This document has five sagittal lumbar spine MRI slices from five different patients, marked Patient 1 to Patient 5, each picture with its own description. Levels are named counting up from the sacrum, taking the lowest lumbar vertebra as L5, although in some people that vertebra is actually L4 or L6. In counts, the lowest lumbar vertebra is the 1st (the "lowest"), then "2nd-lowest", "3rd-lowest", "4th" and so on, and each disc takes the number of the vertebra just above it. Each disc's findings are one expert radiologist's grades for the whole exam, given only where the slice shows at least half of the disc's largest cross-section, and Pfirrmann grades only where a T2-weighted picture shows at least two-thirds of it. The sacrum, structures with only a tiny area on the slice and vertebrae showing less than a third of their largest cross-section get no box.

Patient 1 of 5:
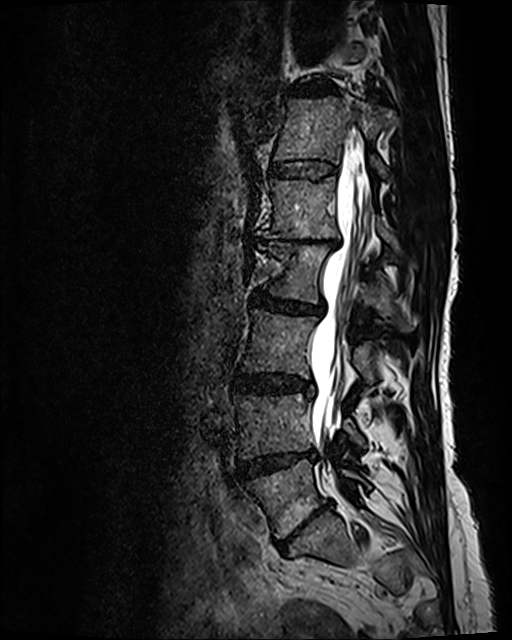 Slice 58/120 | Lumbar spine MR, T2 SPACE (3D), sagittal
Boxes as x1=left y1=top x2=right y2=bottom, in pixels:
3rd-lowest disc = x1=233 y1=374 x2=313 y2=395.
4th vertebra = x1=259 y1=246 x2=413 y2=330.
4th disc = x1=253 y1=291 x2=322 y2=314.
Lowest disc = x1=278 y1=504 x2=328 y2=548.
7th disc = x1=288 y1=81 x2=336 y2=96.
6th disc = x1=269 y1=159 x2=336 y2=178.
6th vertebra = x1=275 y1=96 x2=396 y2=178.
3rd-lowest vertebra = x1=241 y1=309 x2=374 y2=383.
5th vertebra = x1=257 y1=176 x2=396 y2=246.
2nd-lowest disc = x1=237 y1=452 x2=315 y2=477.
Lowest vertebra = x1=240 y1=459 x2=370 y2=537.
2nd-lowest vertebra = x1=234 y1=394 x2=365 y2=459.
5th disc = x1=259 y1=235 x2=340 y2=246.
Spinal canal = x1=309 y1=134 x2=368 y2=455.

Per-level radiological findings:
• 5th disc: Pfirrmann grade 5, upper-endplate change, disc narrowing, Modic type II, lower-endplate change, disc bulging
• 7th disc: disc bulging, disc narrowing
• 2nd-lowest disc: Pfirrmann grade 4, disc narrowing, Modic type II, disc bulging
• 6th disc: Pfirrmann grade 2
• 4th disc: disc bulging, disc narrowing
• 3rd-lowest disc: Pfirrmann grade 3, disc bulging

Patient 2 of 5:
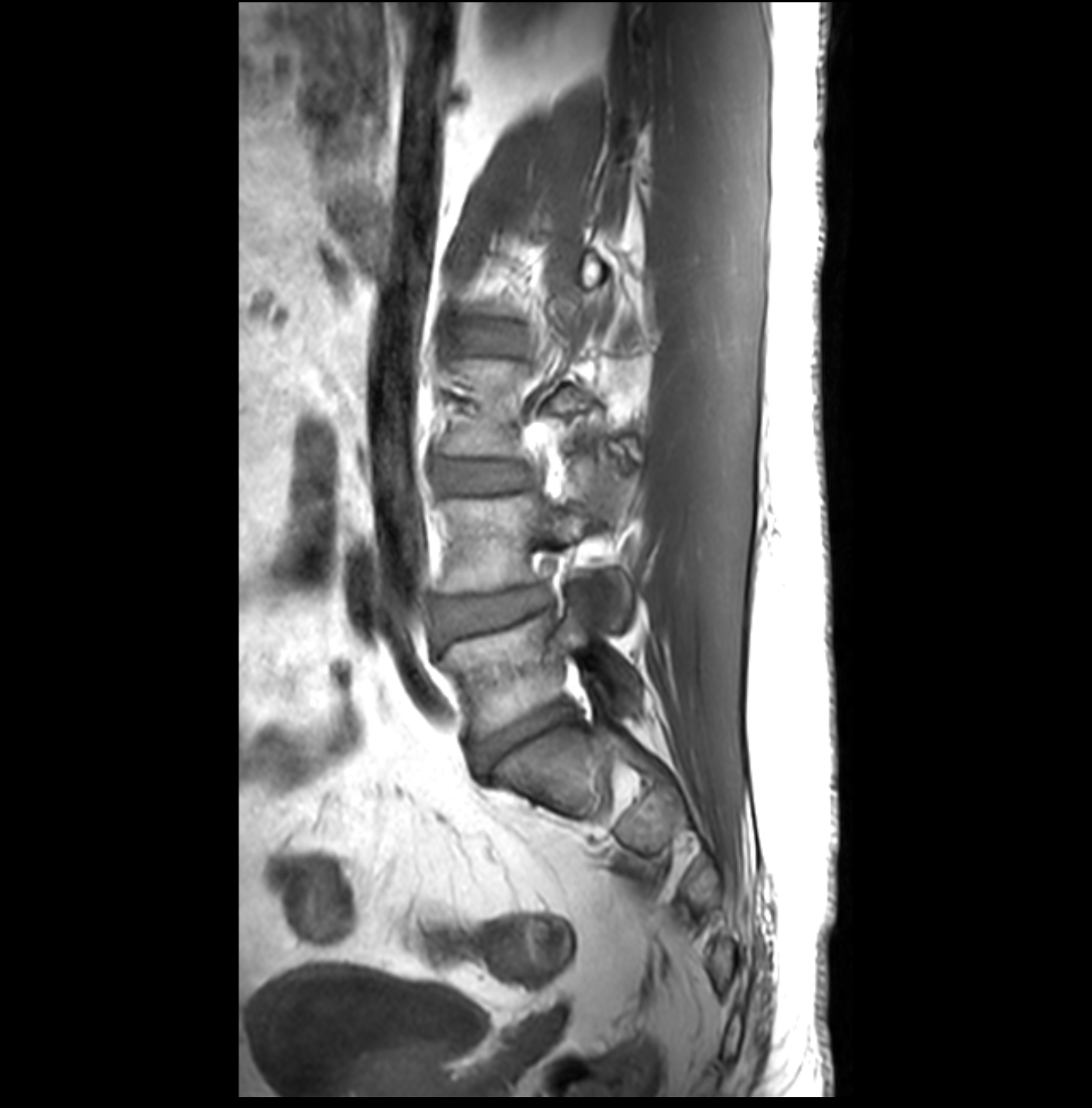 T1-weighted sagittal MRI of the lumbar spine, Patient sex: M
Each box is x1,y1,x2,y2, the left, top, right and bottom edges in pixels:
L4 vertebra at 442,483,632,627.
L3/L4 at 442,463,531,491.
Disc L2/L3 at 508,329,520,347.
Disc L5/S1 at 473,703,571,770.
L5 at 443,604,644,737.
L4/L5 at 439,586,548,640.

Radiological gradings:
- L4/L5: disc herniation
- L5/S1, L3/L4: no Modic or endplate change, herniation, narrowing, bulging or spondylolisthesis recorded

Patient 3 of 5:
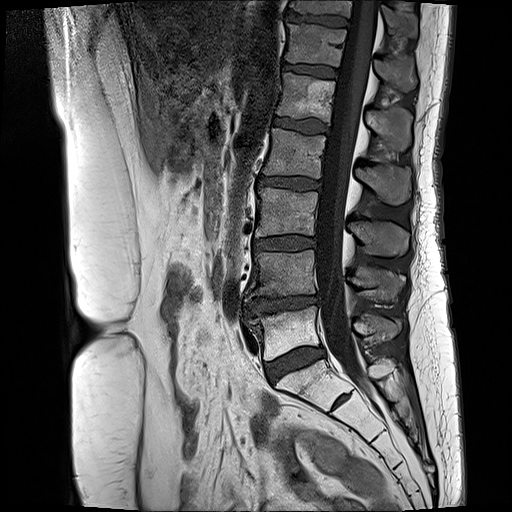

Lumbar spine MR, T1-weighted, sagittal. Slice 11 of 17. Slice spacing 3.3 mm.
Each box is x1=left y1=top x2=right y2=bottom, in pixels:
Segmented structures:
* L5 (lowest vertebra) = x1=247 y1=306 x2=401 y2=359
* T12 (6th vertebra) = x1=286 y1=25 x2=416 y2=89
* T12/L1 (6th disc) = x1=283 y1=63 x2=338 y2=77
* T11/T12 (7th disc) = x1=286 y1=12 x2=350 y2=25
* L1 (5th vertebra) = x1=277 y1=73 x2=413 y2=152
* L3 (3rd-lowest vertebra) = x1=256 y1=188 x2=409 y2=256
* L4 (2nd-lowest vertebra) = x1=246 y1=250 x2=401 y2=300
* L3/L4 (3rd-lowest disc) = x1=255 y1=237 x2=315 y2=249
* disc L5/S1 (lowest disc) = x1=267 y1=346 x2=325 y2=382
* L2 (4th vertebra) = x1=264 y1=128 x2=411 y2=205
* T11 (7th vertebra) = x1=290 y1=0 x2=417 y2=36
* spinal canal = x1=316 y1=0 x2=378 y2=371
* disc L2/L3 (4th disc) = x1=258 y1=177 x2=321 y2=189
* L1/L2 (5th disc) = x1=272 y1=117 x2=328 y2=133
* L4/L5 (2nd-lowest disc) = x1=243 y1=295 x2=319 y2=314

Expert MSK radiologist gradings (per disc):
• L2/L3 (4th disc): disc bulging, Modic type II
• T12/L1 (6th disc): Modic type II
• L5/S1 (lowest disc): Modic type II, disc bulging
• T11/T12 (7th disc): lower-endplate change, upper-endplate change, Modic type II
• L1/L2 (5th disc): Modic type II
• L3/L4 (3rd-lowest disc): Modic type II, disc bulging
• L4/L5 (2nd-lowest disc): Modic type II, lower-endplate change, upper-endplate change, disc bulging, disc narrowing

Patient 4 of 5:
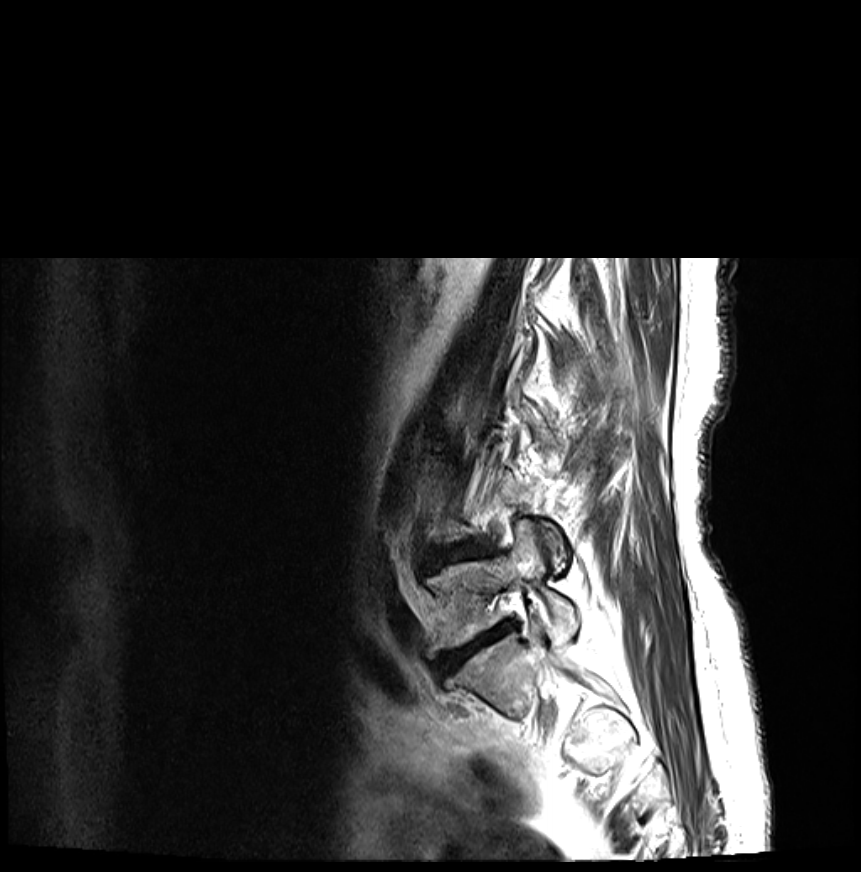 Patient sex: F | Image 861x872 | Lumbar spine MR, T2-weighted, sagittal | Slice 5/27

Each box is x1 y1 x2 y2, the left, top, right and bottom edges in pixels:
lowest disc: 441 623 512 670
2nd-lowest disc: 441 545 476 560
lowest vertebra: 427 521 577 647

Patient 5 of 5:
MRI lumbar spine (T2-weighted), sagittal plane, 559x578 px 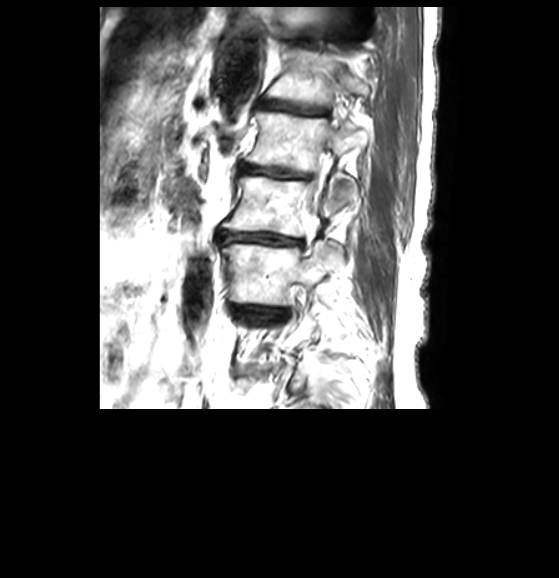 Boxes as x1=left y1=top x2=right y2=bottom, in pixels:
3rd-lowest disc: x1=235 y1=306 x2=285 y2=318 | 5th vertebra: x1=245 y1=111 x2=369 y2=204 | 4th vertebra: x1=222 y1=176 x2=356 y2=236 | 6th vertebra: x1=266 y1=49 x2=369 y2=107 | 5th disc: x1=240 y1=164 x2=307 y2=178 | 6th disc: x1=258 y1=102 x2=322 y2=114 | 3rd-lowest vertebra: x1=222 y1=241 x2=341 y2=304 | thecal sac / spinal canal: x1=300 y1=149 x2=326 y2=234 | 4th disc: x1=220 y1=230 x2=305 y2=246 | 7th disc: x1=296 y1=37 x2=312 y2=45

Per-level radiological findings:
• 5th disc: disc narrowing
• 3rd-lowest disc: disc bulging, disc narrowing
• 6th disc: Pfirrmann grade 4, disc narrowing, lower-endplate change
• 4th disc: Pfirrmann grade 4, disc narrowing, disc bulging